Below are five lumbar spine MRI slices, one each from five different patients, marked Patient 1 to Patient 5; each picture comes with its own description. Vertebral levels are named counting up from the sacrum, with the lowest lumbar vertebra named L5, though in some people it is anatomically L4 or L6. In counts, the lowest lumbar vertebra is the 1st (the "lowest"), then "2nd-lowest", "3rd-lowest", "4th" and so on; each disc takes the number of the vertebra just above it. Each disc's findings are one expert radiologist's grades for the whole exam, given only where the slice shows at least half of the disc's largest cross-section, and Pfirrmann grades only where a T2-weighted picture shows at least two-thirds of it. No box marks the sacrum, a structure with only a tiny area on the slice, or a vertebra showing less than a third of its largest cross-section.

Patient 1 of 5:
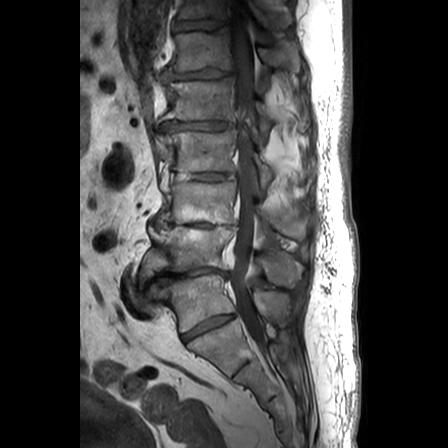 Patient sex: M | Sagittal slice index 13 | MRI lumbar spine (T1-weighted), sagittal plane | Field of view 280x280 mm

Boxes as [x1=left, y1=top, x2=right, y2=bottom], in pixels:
- T11 = [x1=176, y1=0, x2=293, y2=29]
- L5/S1 = [x1=183, y1=315, x2=233, y2=341]
- L2 = [x1=154, y1=130, x2=272, y2=187]
- L1 vertebra = [x1=160, y1=78, x2=274, y2=133]
- spinal canal = [x1=229, y1=0, x2=262, y2=343]
- L4 = [x1=139, y1=226, x2=302, y2=286]
- L3 = [x1=160, y1=182, x2=307, y2=238]
- L1/L2 = [x1=162, y1=121, x2=231, y2=130]
- T12/L1 = [x1=163, y1=70, x2=231, y2=81]
- disc L2/L3 = [x1=166, y1=173, x2=233, y2=180]
- disc T11/T12 = [x1=173, y1=20, x2=224, y2=31]
- L3/L4 = [x1=152, y1=218, x2=232, y2=228]
- T12 vertebra = [x1=168, y1=29, x2=300, y2=71]
- L4/L5 = [x1=146, y1=267, x2=228, y2=287]
- L5 = [x1=158, y1=274, x2=289, y2=332]

Expert MSK radiologist gradings (per disc):
  L4/L5: disc herniation, disc narrowing, disc bulging, Modic type II
  T12/L1: disc narrowing, disc bulging, disc herniation
  L3/L4: disc narrowing, disc herniation, Modic type II, disc bulging
  T11/T12: disc bulging, upper-endplate change, disc narrowing
  L2/L3: disc bulging, disc narrowing
  L5/S1: disc narrowing
  L1/L2: disc narrowing, disc bulging

Patient 2 of 5:
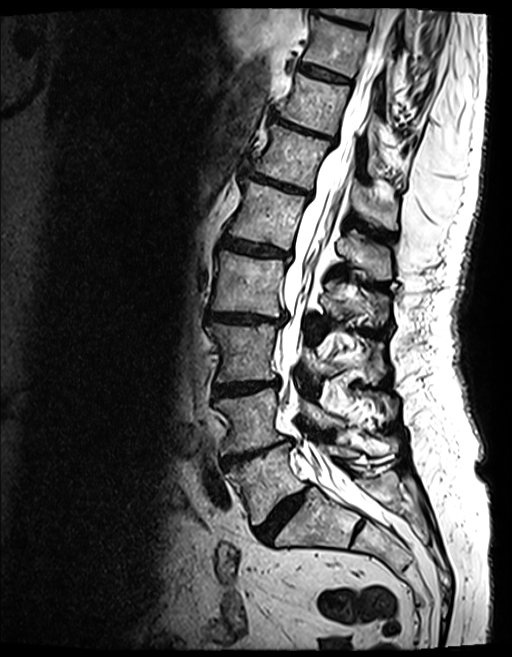
512x657 px; Slice 71 of 154; Lumbar spine MR, T2 SPACE (3D), sagittal
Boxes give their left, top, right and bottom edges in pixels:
{"L1/L2": "left=224, top=238, right=288, bottom=260", "T9 vertebra": "left=330, top=8, right=414, bottom=42", "L3 vertebra": "left=206, top=323, right=385, bottom=383", "T11 vertebra": "left=278, top=74, right=377, bottom=158", "intervertebral disc T9/T10": "left=313, top=6, right=367, bottom=28", "T11/T12": "left=271, top=113, right=335, bottom=141", "T10 vertebra": "left=303, top=17, right=394, bottom=94", "L4 vertebra": "left=213, top=388, right=391, bottom=455", "L2 vertebra": "left=212, top=252, right=388, bottom=326", "L4/L5": "left=222, top=439, right=292, bottom=468", "L5/S1": "left=256, top=485, right=309, bottom=541", "spinal canal": "left=280, top=8, right=397, bottom=511", "T10/T11": "left=299, top=63, right=350, bottom=82", "L1": "left=229, top=181, right=390, bottom=281", "intervertebral disc T12/L1": "left=244, top=170, right=310, bottom=197", "L5": "left=226, top=436, right=400, bottom=525", "intervertebral disc L2/L3": "left=208, top=313, right=282, bottom=324", "T12 vertebra": "left=252, top=123, right=397, bottom=230", "intervertebral disc L3/L4": "left=213, top=381, right=278, bottom=396"}

Expert MSK radiologist gradings (per disc):
  L3/L4: Pfirrmann grade 4, Modic type II, lower-endplate change, upper-endplate change, disc narrowing, disc bulging
  L4/L5: lower-endplate change, disc bulging, disc narrowing, Modic type II, upper-endplate change
  L2/L3: Pfirrmann grade 4, disc narrowing, Modic type II, disc bulging, upper-endplate change, lower-endplate change
  T11/T12: Pfirrmann grade 5, upper-endplate change, disc bulging, lower-endplate change, disc narrowing, Modic type II
  T10/T11: Pfirrmann grade 4, upper-endplate change, lower-endplate change, Modic type II
  L5/S1: Pfirrmann grade 4, disc bulging, disc narrowing
  L1/L2: Pfirrmann grade 4, upper-endplate change, lower-endplate change, Modic type II, disc bulging, disc narrowing
  T9/T10: upper-endplate change, lower-endplate change, disc bulging, Modic type II
  T12/L1: Pfirrmann grade 4, disc bulging, Modic type II, disc narrowing, lower-endplate change, upper-endplate change

Patient 3 of 5:
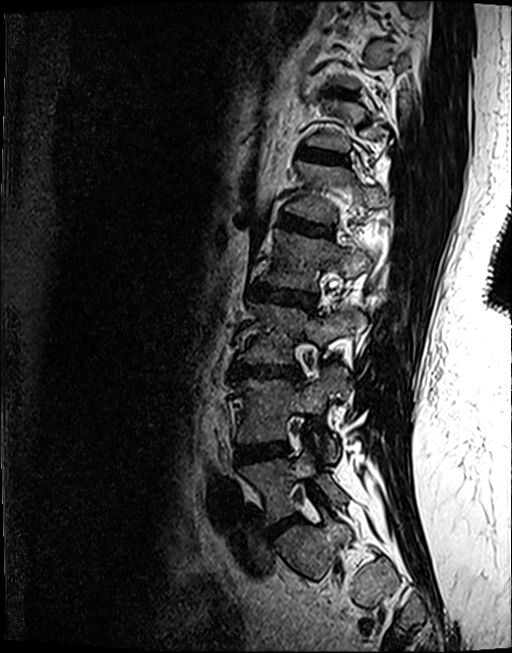

512x653 px | Sagittal T2 SPACE (3D) lumbar spine MRI

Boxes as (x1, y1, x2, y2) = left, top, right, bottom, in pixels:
L4 vertebra at (237, 367, 346, 460), T11/T12 at (335, 89, 350, 96), L5 vertebra at (239, 447, 346, 524), L1 at (286, 161, 387, 222), L3 at (239, 301, 366, 364), L1/L2 at (280, 214, 330, 235), L3/L4 at (233, 364, 300, 379), L4/L5 at (236, 442, 287, 463), L2 vertebra at (262, 228, 377, 290), disc L5/S1 at (268, 515, 297, 537), T12/L1 at (300, 147, 346, 161), disc L2/L3 at (251, 283, 315, 310).

Per-level radiological findings:
  L1/L2: lower-endplate change, upper-endplate change, Modic type II
  L3/L4: Pfirrmann grade 4, disc narrowing, Modic type II, lower-endplate change, upper-endplate change, disc bulging
  L2/L3: Pfirrmann grade 4, disc bulging, lower-endplate change, upper-endplate change
  L4/L5: disc bulging, lower-endplate change, Modic type II
  T12/L1: upper-endplate change, lower-endplate change

Patient 4 of 5:
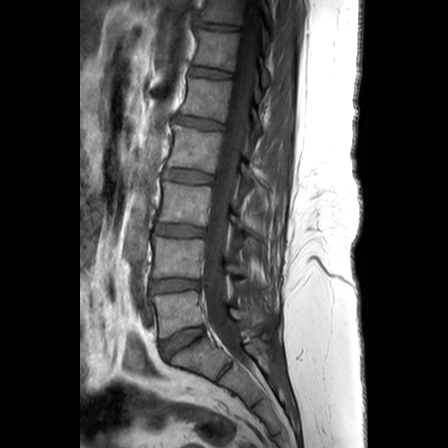 Field of view 280x280 mm, slice spacing 3.3 mm; Slice 13 of 24; MRI lumbar spine (T1-weighted), sagittal plane

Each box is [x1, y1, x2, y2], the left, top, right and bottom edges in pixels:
Spinal canal: [202, 0, 258, 358].
L4 vertebra: [152, 234, 247, 276].
L1 vertebra: [180, 77, 262, 129].
T12/L1: [192, 66, 230, 77].
L1/L2: [175, 115, 224, 130].
T11: [201, 0, 271, 23].
L5/S1: [161, 326, 203, 356].
L3: [159, 182, 251, 233].
IVD T11/T12: [199, 23, 238, 29].
L5: [152, 290, 261, 336].
T12: [194, 30, 270, 85].
L2/L3: [164, 169, 212, 182].
L4/L5: [151, 278, 199, 291].
L2: [168, 124, 258, 180].
IVD L3/L4: [155, 224, 203, 235].

Expert MSK radiologist gradings (per disc):
• L1/L2: upper-endplate change, disc bulging, Modic type II
• L4/L5: disc narrowing
• L3/L4: upper-endplate change
• T12/L1, L2/L3, L5/S1, T11/T12: no herniation, bulging, narrowing, spondylolisthesis, endplate or Modic change recorded

Patient 5 of 5:
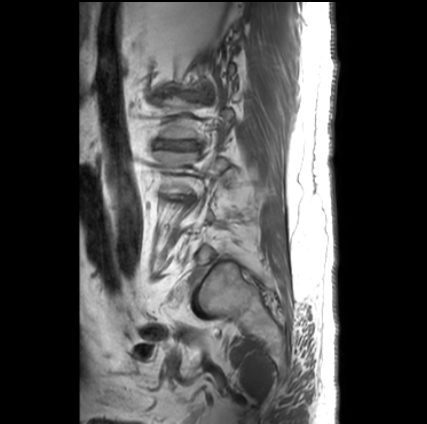 Lumbar spine MR, T1-weighted, sagittal. Sex M. Sagittal slice index 5. Field of view 284x281 mm, slice spacing 3.3 mm.

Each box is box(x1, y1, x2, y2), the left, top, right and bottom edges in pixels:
intervertebral disc L2/L3 (4th disc): box(157, 141, 198, 148)
intervertebral disc L1/L2 (5th disc): box(164, 88, 191, 98)

Radiological gradings:
- L1/L2 (5th disc): disc bulging, Modic type II, disc herniation, lower-endplate change, upper-endplate change, disc narrowing
- L2/L3 (4th disc): Modic type II, lower-endplate change, disc bulging, upper-endplate change, disc narrowing